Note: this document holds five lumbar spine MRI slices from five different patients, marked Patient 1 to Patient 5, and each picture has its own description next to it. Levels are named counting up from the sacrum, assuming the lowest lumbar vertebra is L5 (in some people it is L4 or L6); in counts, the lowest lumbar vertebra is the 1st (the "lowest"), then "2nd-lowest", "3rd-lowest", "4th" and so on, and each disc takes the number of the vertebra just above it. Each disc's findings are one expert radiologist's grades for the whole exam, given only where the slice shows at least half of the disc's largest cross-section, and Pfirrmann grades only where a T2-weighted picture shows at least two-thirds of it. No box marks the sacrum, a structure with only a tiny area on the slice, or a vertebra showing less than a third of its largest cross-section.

Patient 1 of 5:
SIEMENS Avanto_fit (1.5T) | T2 SPACE (3D) sagittal MRI of the lumbar spine | Slice 74/120
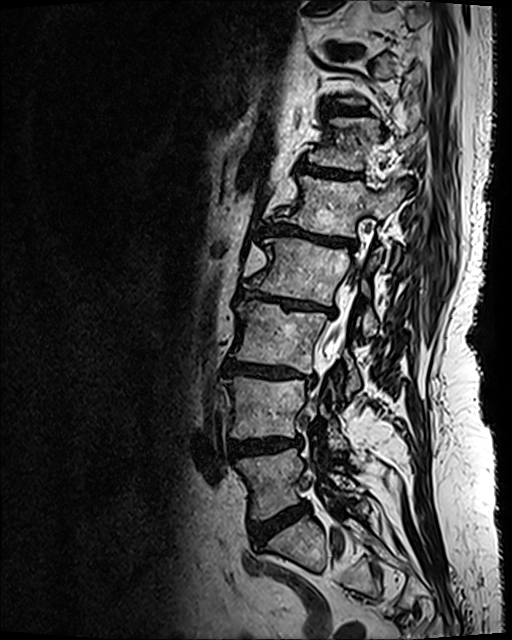
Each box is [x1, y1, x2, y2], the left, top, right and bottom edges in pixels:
{"T12": "[309, 117, 411, 169]", "thecal sac / spinal canal": "[318, 260, 361, 387]", "disc T12/L1": "[299, 164, 357, 178]", "L4": "[226, 378, 347, 449]", "T11/T12": "[325, 108, 354, 114]", "L5": "[237, 448, 357, 519]", "L3/L4": "[223, 358, 314, 383]", "L2 vertebra": "[245, 238, 379, 337]", "disc L4/L5": "[228, 436, 300, 458]", "disc L2/L3": "[238, 287, 335, 314]", "L1/L2": "[264, 225, 357, 248]", "L3": "[231, 301, 360, 396]", "L1": "[279, 175, 407, 258]", "L5/S1": "[250, 503, 308, 548]"}

Degenerative findings by level:
• L5/S1: disc bulging
• T12/L1: upper-endplate change, lower-endplate change, Modic type II
• L4/L5: Pfirrmann grade 4, disc bulging, upper-endplate change, lower-endplate change
• L1/L2: Pfirrmann grade 5, disc bulging, disc narrowing, upper-endplate change, lower-endplate change, Modic type II
• L2/L3: disc narrowing, disc bulging, upper-endplate change, Modic type II, lower-endplate change
• L3/L4: Pfirrmann grade 5, upper-endplate change, disc bulging, Modic type II, lower-endplate change, disc narrowing

Patient 2 of 5:
Sex F; MRI lumbar spine (T1-weighted), sagittal plane

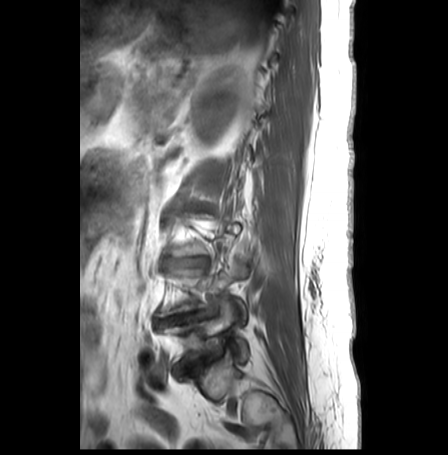 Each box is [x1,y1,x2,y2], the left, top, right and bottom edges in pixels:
L5 vertebra at [162,297,248,366], disc L4/L5 at [154,309,214,325], L4 vertebra at [155,264,246,325], L5/S1 at [177,353,216,376], disc L2/L3 at [186,205,207,209], L3/L4 at [166,256,207,267].

Degenerative findings by level:
• L5/S1: upper-endplate change, disc narrowing, lower-endplate change, disc bulging, Modic type II
• L3/L4: disc bulging, lower-endplate change, Modic type II, disc narrowing, upper-endplate change
• L4/L5: disc bulging, Modic type II, lower-endplate change, disc herniation, upper-endplate change, disc narrowing

Patient 3 of 5:
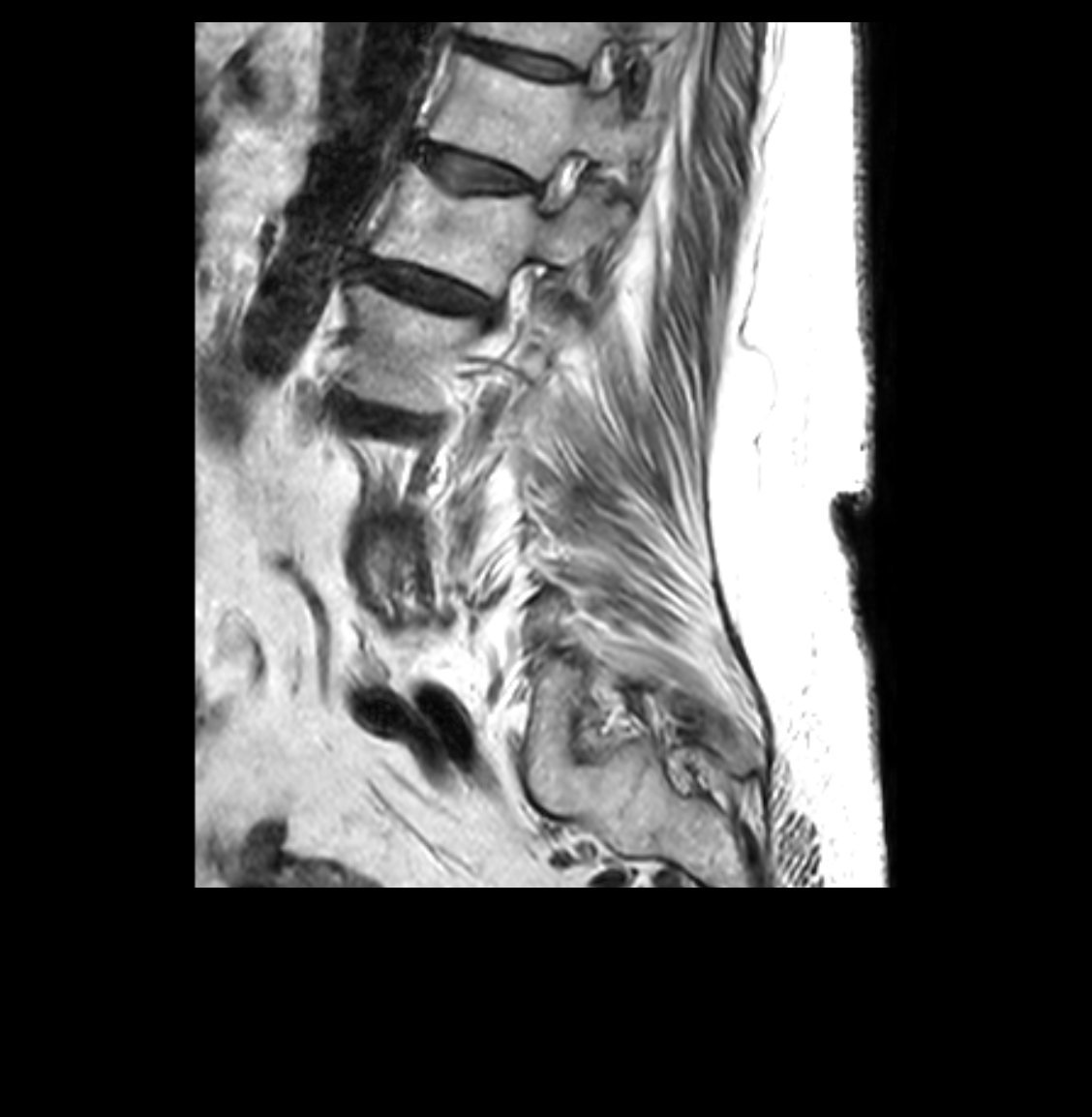 Image 1092x1117. Lumbar spine MR, T2-weighted, sagittal. Slice spacing 3.3 mm. Patient sex: F.

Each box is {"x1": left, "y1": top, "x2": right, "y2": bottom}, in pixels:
Structures:
* 7th vertebra: {"x1": 468, "y1": 21, "x2": 654, "y2": 68}
* 6th vertebra: {"x1": 429, "y1": 54, "x2": 635, "y2": 180}
* 7th disc: {"x1": 466, "y1": 40, "x2": 574, "y2": 79}
* 5th vertebra: {"x1": 371, "y1": 162, "x2": 625, "y2": 296}
* 6th disc: {"x1": 419, "y1": 145, "x2": 528, "y2": 192}
* 5th disc: {"x1": 366, "y1": 262, "x2": 497, "y2": 314}
* 4th vertebra: {"x1": 344, "y1": 277, "x2": 553, "y2": 398}

Degenerative findings by level:
  6th disc: Pfirrmann grade 4, disc narrowing, disc bulging
  7th disc: Pfirrmann grade 4, disc narrowing
  5th disc: Pfirrmann grade 4, disc narrowing, disc bulging, lower-endplate change, upper-endplate change

Patient 4 of 5:
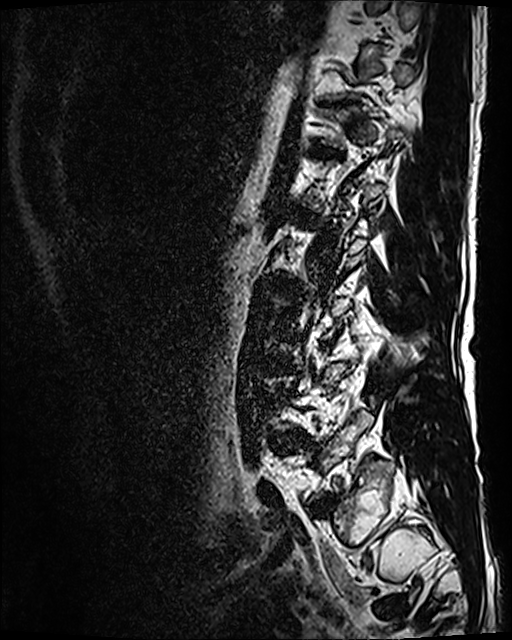 Sagittal T2 SPACE (3D) lumbar spine MRI | 512x640 px
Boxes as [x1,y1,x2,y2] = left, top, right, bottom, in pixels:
* L4/L5 (2nd-lowest disc) at [272,433,301,446]
* disc L2/L3 (4th disc) at [268,278,289,290]
* disc L1/L2 (5th disc) at [298,211,313,219]

Patient 5 of 5:
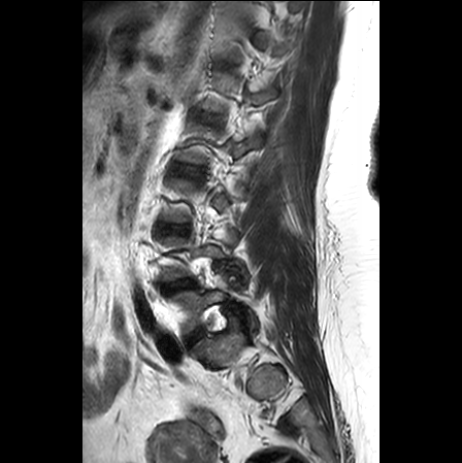
Patient sex: F. MRI lumbar spine (T2-weighted), sagittal plane. Image 462x463. Slice spacing 3.3 mm.
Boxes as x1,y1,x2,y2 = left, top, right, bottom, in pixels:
disc L3/L4: 163,225,185,233
disc L5/S1: 187,329,201,345
disc L2/L3: 176,163,199,177
L5 vertebra: 172,289,257,334
L4/L5: 162,279,195,292